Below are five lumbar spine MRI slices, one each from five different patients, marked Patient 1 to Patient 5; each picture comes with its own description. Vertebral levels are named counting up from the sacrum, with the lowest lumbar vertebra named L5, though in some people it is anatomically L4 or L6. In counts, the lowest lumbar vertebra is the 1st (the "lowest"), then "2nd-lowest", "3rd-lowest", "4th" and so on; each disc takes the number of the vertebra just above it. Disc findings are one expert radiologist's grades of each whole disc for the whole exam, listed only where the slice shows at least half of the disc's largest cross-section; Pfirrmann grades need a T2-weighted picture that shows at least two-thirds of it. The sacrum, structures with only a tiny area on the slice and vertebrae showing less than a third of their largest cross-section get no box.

Patient 1 of 5:
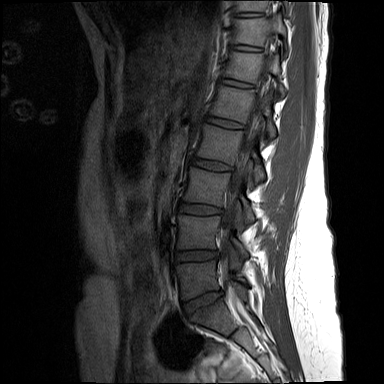 Sex F | 384x384 px | Sagittal T1-weighted lumbar spine MRI

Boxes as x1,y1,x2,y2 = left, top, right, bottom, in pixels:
Segmented structures:
* 3rd-lowest disc: 179,202,221,214
* 5th vertebra: 211,84,275,137
* 6th disc: 220,78,251,86
* 7th disc: 233,45,260,51
* 7th vertebra: 234,14,287,54
* 3rd-lowest vertebra: 185,167,254,222
* 5th disc: 206,116,242,128
* 2nd-lowest vertebra: 178,215,248,258
* 8th disc: 235,12,260,16
* lowest disc: 183,291,222,314
* 8th vertebra: 237,0,287,11
* 4th disc: 192,157,230,169
* spinal canal: 220,66,268,285
* 2nd-lowest disc: 175,250,218,261
* lowest vertebra: 176,259,246,298
* 6th vertebra: 224,52,285,97
* 4th vertebra: 197,124,265,181

Per-level radiological findings:
• 4th disc, 3rd-lowest disc, lowest disc, 6th disc, 7th disc, 2nd-lowest disc, 8th disc, 5th disc: no herniation, bulging, narrowing, spondylolisthesis, endplate or Modic change recorded

Patient 2 of 5:
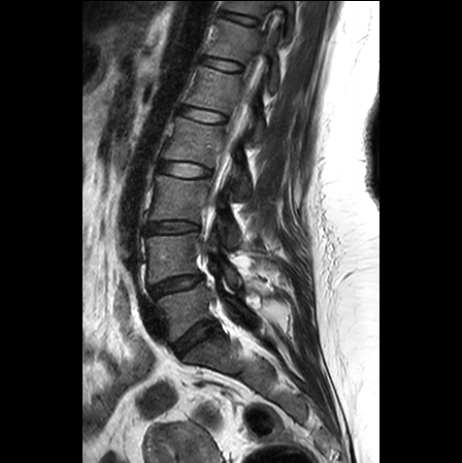 Slice 16 of 24, Sagittal T2-weighted lumbar spine MRI
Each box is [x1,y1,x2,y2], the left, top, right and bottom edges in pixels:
Annotations:
* L1/L2: [182,106,225,122]
* L4 vertebra: [146,230,241,286]
* T11/T12: [221,11,258,24]
* T11: [224,0,295,36]
* L5/S1: [174,321,217,355]
* IVD L4/L5: [150,274,202,297]
* T12: [207,19,278,90]
* IVD T12/L1: [203,57,242,71]
* L3: [151,175,239,246]
* L1 vertebra: [186,66,264,143]
* IVD L2/L3: [160,161,210,176]
* L2: [164,117,250,198]
* L5 vertebra: [158,279,258,340]
* spinal canal: [213,11,277,196]
* L3/L4: [147,221,198,234]

Per-level radiological findings:
• L5/S1: Pfirrmann grade 3, disc bulging, disc narrowing
• L2/L3: Pfirrmann grade 1
• L4/L5: Pfirrmann grade 3, disc narrowing, disc bulging
• T11/T12: Pfirrmann grade 1
• L1/L2: Pfirrmann grade 1
• L3/L4: Pfirrmann grade 1
• T12/L1: Pfirrmann grade 1

Patient 3 of 5:
Patient sex: F; T2 SPACE (3D) sagittal MRI of the lumbar spine; Image 512x640
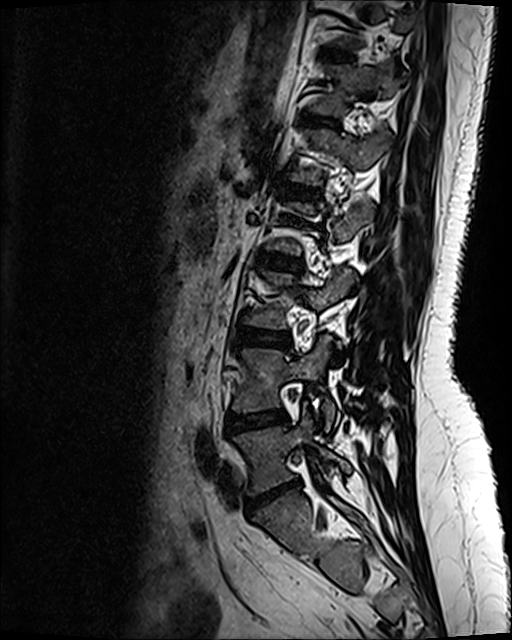

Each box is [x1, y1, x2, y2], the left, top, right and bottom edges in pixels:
Annotations:
- L4 (2nd-lowest vertebra) = [233, 335, 334, 431]
- T12 (6th vertebra) = [311, 66, 398, 116]
- L5 (lowest vertebra) = [234, 404, 350, 495]
- intervertebral disc T12/L1 (6th disc) = [301, 114, 332, 127]
- intervertebral disc L2/L3 (4th disc) = [258, 256, 300, 270]
- intervertebral disc L3/L4 (3rd-lowest disc) = [236, 330, 288, 347]
- intervertebral disc L5/S1 (lowest disc) = [246, 484, 293, 515]
- intervertebral disc L4/L5 (2nd-lowest disc) = [226, 413, 286, 432]
- L3 (3rd-lowest vertebra) = [245, 272, 355, 328]
- L1 (5th vertebra) = [291, 131, 389, 185]
- T11/T12 (7th disc) = [320, 52, 350, 61]
- intervertebral disc L1/L2 (5th disc) = [283, 184, 314, 196]

Radiological gradings:
• L2/L3 (4th disc): lower-endplate change, upper-endplate change, disc bulging
• L3/L4 (3rd-lowest disc): disc bulging

Patient 4 of 5:
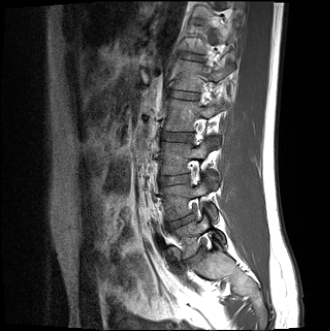

Lumbar spine MR, T1-weighted, sagittal | Sagittal slice index 11

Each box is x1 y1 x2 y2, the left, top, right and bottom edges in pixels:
Disc L1/L2 at 170 91 197 99, disc T12/L1 at 186 54 201 60, disc L3/L4 at 159 175 188 185, L5 vertebra at 173 215 224 258, L4/L5 at 167 215 194 229, L5/S1 at 188 249 203 263, L2 at 163 99 225 144, L1 vertebra at 172 59 233 91, disc L2/L3 at 161 133 192 140, L3 vertebra at 161 140 216 183, L4 at 161 182 216 220.

Per-level radiological findings:
  L1/L2, L2/L3, L3/L4: no Modic or endplate change, herniation, narrowing, bulging or spondylolisthesis recorded

Patient 5 of 5:
Sagittal slice index 87. Scanner: SIEMENS Avanto_fit (1.5T). T2 SPACE (3D) sagittal MRI of the lumbar spine.
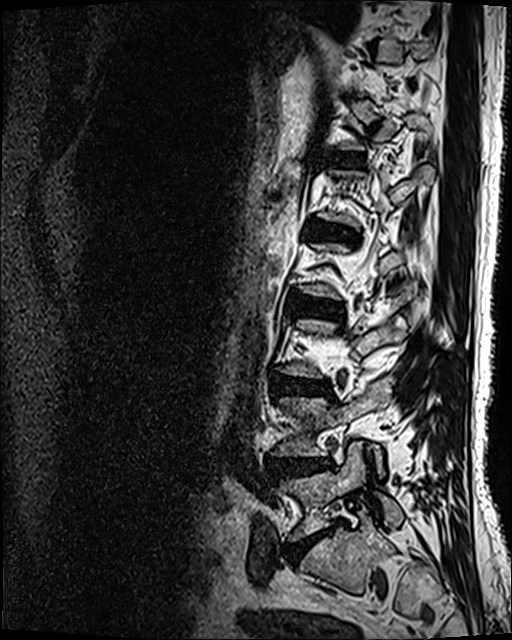

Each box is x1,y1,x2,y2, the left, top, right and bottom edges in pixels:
Annotations:
* intervertebral disc L2/L3: 291,293,343,321
* T12/L1: 334,155,358,165
* L5/S1: 285,521,343,562
* L5 vertebra: 281,444,402,541
* L4 vertebra: 273,379,391,474
* intervertebral disc L4/L5: 270,458,329,481
* L1/L2: 310,222,357,243
* L3/L4: 271,374,330,396

Degenerative findings by level:
- L2/L3: disc bulging
- L3/L4: lower-endplate change, disc narrowing, Modic type II, disc bulging
- L1/L2: Pfirrmann grade 4, Modic type II, upper-endplate change, lower-endplate change, disc bulging, disc narrowing